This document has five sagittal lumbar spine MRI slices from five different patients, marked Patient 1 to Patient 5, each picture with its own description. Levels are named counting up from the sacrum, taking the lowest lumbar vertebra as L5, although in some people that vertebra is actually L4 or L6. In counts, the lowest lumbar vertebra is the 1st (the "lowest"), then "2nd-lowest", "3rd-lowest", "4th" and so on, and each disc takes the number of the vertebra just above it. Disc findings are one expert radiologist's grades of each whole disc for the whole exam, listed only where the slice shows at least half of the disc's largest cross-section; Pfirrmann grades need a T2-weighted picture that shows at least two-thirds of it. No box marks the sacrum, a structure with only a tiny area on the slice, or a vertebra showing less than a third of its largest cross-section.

Patient 1 of 5:
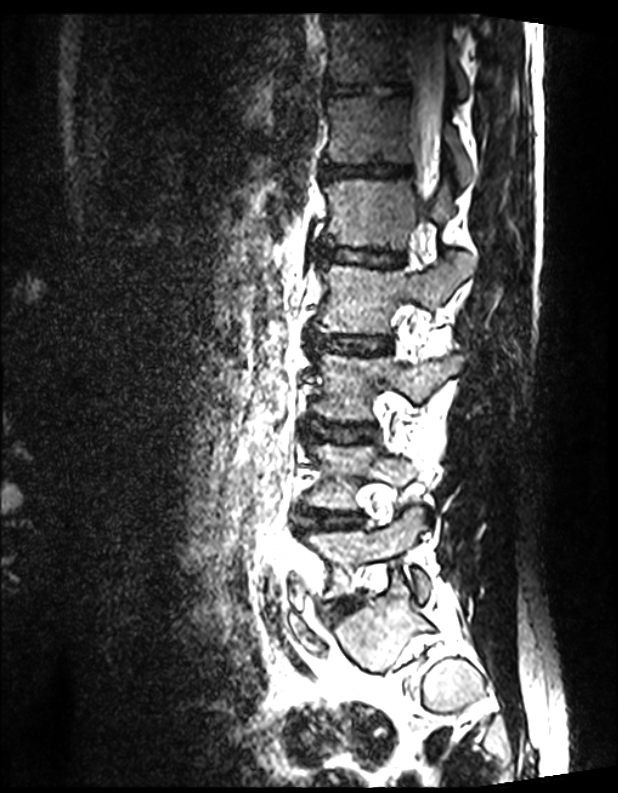 Lumbar spine MR, T2 SPACE (3D), sagittal | Image 618x793 | Patient sex: M
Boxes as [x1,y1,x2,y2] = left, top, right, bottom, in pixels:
{"lowest disc": "[324,599,359,618]", "lowest vertebra": "[306,507,429,600]", "7th vertebra": "[324,14,468,99]", "3rd-lowest vertebra": "[313,352,463,420]", "6th vertebra": "[327,96,473,184]", "7th disc": "[326,83,408,96]", "2nd-lowest disc": "[303,511,362,527]", "4th vertebra": "[318,252,475,334]", "2nd-lowest vertebra": "[307,444,442,510]", "3rd-lowest disc": "[309,421,376,442]", "5th vertebra": "[324,179,453,247]", "6th disc": "[321,163,410,178]", "spinal canal": "[408,23,445,202]", "4th disc": "[307,333,390,354]", "5th disc": "[317,245,405,266]"}

Per-level radiological findings:
  7th disc: Pfirrmann grade 1
  4th disc: Pfirrmann grade 1
  6th disc: Pfirrmann grade 1
  5th disc: Pfirrmann grade 1

Patient 2 of 5:
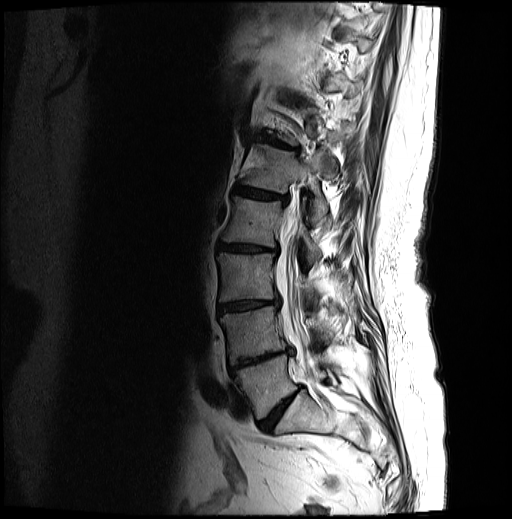 Patient sex: F. MRI lumbar spine (T2-weighted), sagittal plane. Slice 16 of 27.
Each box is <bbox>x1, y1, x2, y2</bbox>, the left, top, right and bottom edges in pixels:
* L2 vertebra: <bbox>221, 197, 321, 261</bbox>
* L2/L3: <bbox>218, 244, 276, 253</bbox>
* L4/L5: <bbox>229, 348, 292, 372</bbox>
* L4 vertebra: <bbox>220, 306, 331, 364</bbox>
* T12/L1: <bbox>259, 136, 298, 152</bbox>
* intervertebral disc L5/S1: <bbox>257, 386, 301, 431</bbox>
* L1/L2: <bbox>234, 187, 288, 205</bbox>
* L1 vertebra: <bbox>240, 144, 328, 224</bbox>
* thecal sac / spinal canal: <bbox>275, 182, 320, 382</bbox>
* L5 vertebra: <bbox>234, 353, 336, 419</bbox>
* L3/L4: <bbox>217, 299, 279, 314</bbox>
* L3 vertebra: <bbox>217, 252, 320, 301</bbox>

Degenerative findings by level:
  L5/S1: Pfirrmann grade 4, disc narrowing, disc bulging
  T12/L1: Modic type II, disc narrowing, lower-endplate change, disc bulging, upper-endplate change
  L3/L4: Pfirrmann grade 4, disc narrowing, Modic type II, lower-endplate change, disc bulging, upper-endplate change
  L2/L3: Pfirrmann grade 4, disc narrowing, upper-endplate change, disc bulging, lower-endplate change, Modic type II
  L1/L2: Pfirrmann grade 4, disc bulging, lower-endplate change, upper-endplate change, disc narrowing, Modic type II
  L4/L5: Pfirrmann grade 5, lower-endplate change, Modic type II, disc bulging, disc narrowing, upper-endplate change

Patient 3 of 5:
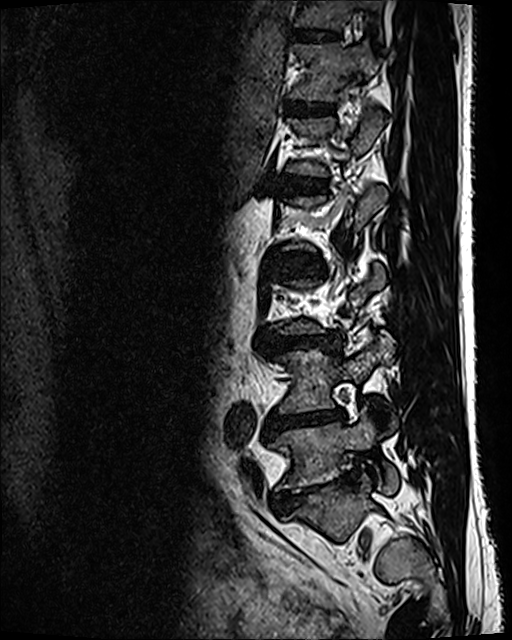
T2 SPACE (3D) sagittal MRI of the lumbar spine.
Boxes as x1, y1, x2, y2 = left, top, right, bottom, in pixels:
3rd-lowest disc at 271, 336, 324, 348.
5th vertebra at 287, 112, 383, 177.
2nd-lowest disc at 271, 410, 346, 430.
2nd-lowest vertebra at 279, 335, 392, 413.
6th vertebra at 288, 42, 378, 102.
7th vertebra at 293, 0, 384, 42.
5th disc at 280, 177, 326, 191.
Lowest vertebra at 269, 407, 398, 492.
6th disc at 286, 100, 333, 115.
Lowest disc at 272, 482, 330, 510.
7th disc at 287, 29, 338, 42.

Expert MSK radiologist gradings (per disc):
• 2nd-lowest disc: Pfirrmann grade 5, Modic type II, lower-endplate change, disc narrowing, disc bulging
• 6th disc, 7th disc: no Modic or endplate change, herniation, narrowing, bulging or spondylolisthesis recorded

Patient 4 of 5:
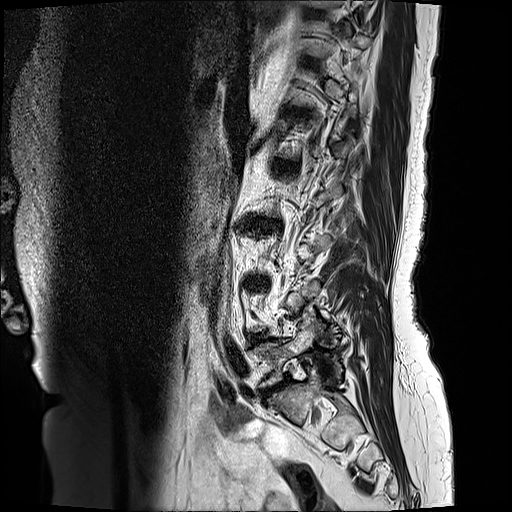

Slice 17 of 19. Lumbar spine MR, T2-weighted, sagittal. Field of view 300x300 mm.

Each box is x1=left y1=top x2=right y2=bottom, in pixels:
L5 = x1=259 y1=325 x2=322 y2=386.
Intervertebral disc L1/L2 = x1=278 y1=161 x2=293 y2=170.
Intervertebral disc L5/S1 = x1=263 y1=379 x2=288 y2=396.
Intervertebral disc T10/T11 = x1=311 y1=10 x2=327 y2=16.

Patient 5 of 5:
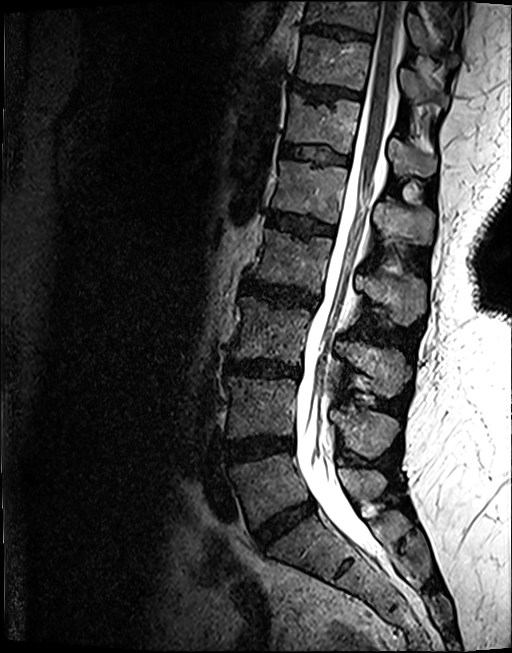
MRI lumbar spine (T2 SPACE (3D)), sagittal plane

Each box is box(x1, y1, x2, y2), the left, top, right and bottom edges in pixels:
L1/L2 — box(267, 211, 333, 236).
T10 vertebra — box(305, 0, 458, 65).
Intervertebral disc T12/L1 — box(282, 143, 349, 163).
L5 — box(229, 451, 386, 527).
L4 — box(227, 377, 395, 456).
L2 — box(250, 228, 425, 323).
L2/L3 — box(242, 279, 318, 307).
Intervertebral disc L4/L5 — box(224, 435, 293, 462).
L3 — box(230, 296, 409, 395).
Thecal sac / spinal canal — box(296, 0, 405, 554).
T10/T11 — box(305, 24, 370, 38).
L3/L4 — box(227, 360, 300, 376).
T12 vertebra — box(285, 93, 435, 175).
T11 vertebra — box(297, 33, 448, 107).
L5/S1 — box(254, 501, 314, 547).
T11/T12 — box(292, 80, 360, 99).
L1 vertebra — box(271, 160, 433, 243).

Expert MSK radiologist gradings (per disc):
• L1/L2: Pfirrmann grade 4, Modic type II, lower-endplate change, upper-endplate change
• L4/L5: Pfirrmann grade 4, lower-endplate change, disc bulging, Modic type II
• L5/S1: Pfirrmann grade 4, disc bulging, disc narrowing
• T11/T12: Pfirrmann grade 4, upper-endplate change
• L3/L4: Pfirrmann grade 4, Modic type II, lower-endplate change, disc bulging, upper-endplate change, disc narrowing
• L2/L3: Pfirrmann grade 4, disc bulging, upper-endplate change, lower-endplate change
• T12/L1: Pfirrmann grade 3, lower-endplate change, upper-endplate change
• T10/T11: Pfirrmann grade 4, lower-endplate change, upper-endplate change